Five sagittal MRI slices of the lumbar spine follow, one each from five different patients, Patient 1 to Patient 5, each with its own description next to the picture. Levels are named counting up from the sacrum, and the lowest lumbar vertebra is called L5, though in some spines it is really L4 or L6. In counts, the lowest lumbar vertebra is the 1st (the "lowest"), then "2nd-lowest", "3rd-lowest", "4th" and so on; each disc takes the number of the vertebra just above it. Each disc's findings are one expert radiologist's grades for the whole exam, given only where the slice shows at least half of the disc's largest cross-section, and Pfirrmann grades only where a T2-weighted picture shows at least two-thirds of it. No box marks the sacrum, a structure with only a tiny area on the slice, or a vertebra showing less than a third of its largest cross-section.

Patient 1 of 5:
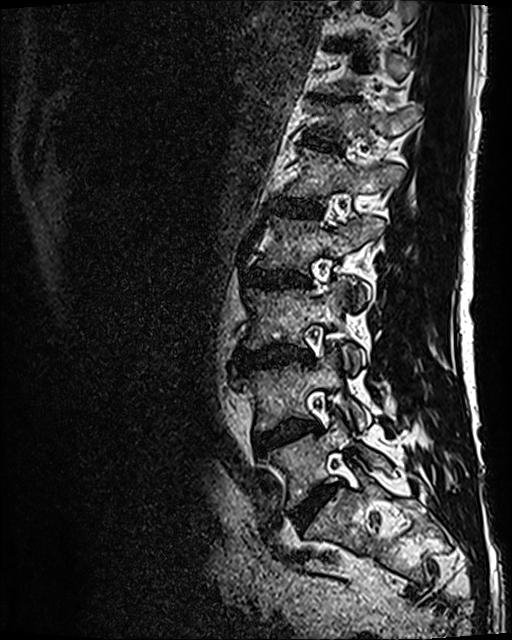
Sagittal T2 SPACE (3D) lumbar spine MRI; Slice 42 of 120; Patient sex: M
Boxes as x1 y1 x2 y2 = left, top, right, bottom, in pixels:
L3/L4: 234 346 313 370.
L4 vertebra: 233 347 369 430.
Disc T11/T12: 317 96 343 101.
L2/L3: 249 270 310 290.
L2: 258 215 383 309.
L1/L2: 272 199 321 216.
L1 vertebra: 287 148 403 203.
Disc L4/L5: 254 421 319 451.
L5 vertebra: 263 418 385 508.
L3 vertebra: 243 279 363 372.
T12/L1: 305 138 340 151.
L5/S1: 291 484 336 527.
T12: 309 103 420 141.

Radiological gradings:
- L3/L4: Pfirrmann grade 4, disc narrowing, disc bulging, Modic type II
- L4/L5: Pfirrmann grade 3, disc bulging, Modic type II
- L2/L3: Pfirrmann grade 3, Modic type II, disc bulging
- L5/S1: Pfirrmann grade 4, disc narrowing, disc bulging
- L1/L2: no herniation, bulging, narrowing, spondylolisthesis, endplate or Modic change recorded

Patient 2 of 5:
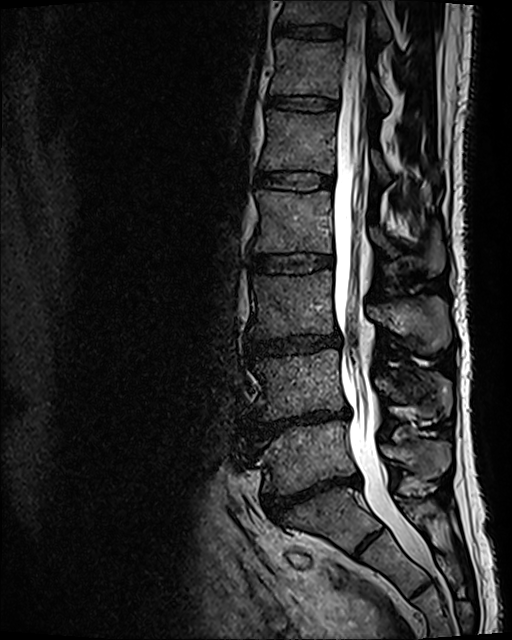 Sagittal slice index 61. Image 512x640. Field of view 240x300 mm, slice spacing 0.9 mm. MRI lumbar spine (T2 SPACE (3D)), sagittal plane.

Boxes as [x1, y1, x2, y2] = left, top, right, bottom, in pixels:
T12: [270, 40, 389, 111] | IVD T11/T12: [272, 25, 344, 39] | spinal canal: [333, 1, 431, 568] | L3/L4: [246, 335, 340, 353] | L3 vertebra: [250, 270, 450, 352] | IVD T12/L1: [267, 95, 336, 111] | L1/L2: [256, 172, 332, 190] | T11: [276, 0, 392, 43] | L5/S1: [262, 474, 361, 521] | L4 vertebra: [254, 349, 452, 419] | L5: [257, 421, 451, 494] | L2: [255, 189, 444, 274] | L1 vertebra: [260, 109, 438, 183] | IVD L2/L3: [251, 255, 333, 273] | L4/L5: [252, 410, 348, 437]

Degenerative findings by level:
• L3/L4: Pfirrmann grade 3, disc narrowing, disc bulging
• L4/L5: Pfirrmann grade 5, disc bulging, disc narrowing, Modic type II, lower-endplate change
• T12/L1: Pfirrmann grade 2
• L2/L3: Pfirrmann grade 2
• L1/L2: Pfirrmann grade 2
• T11/T12: Pfirrmann grade 2
• L5/S1: Pfirrmann grade 5, disc narrowing, disc bulging, lower-endplate change, spondylolisthesis

Patient 3 of 5:
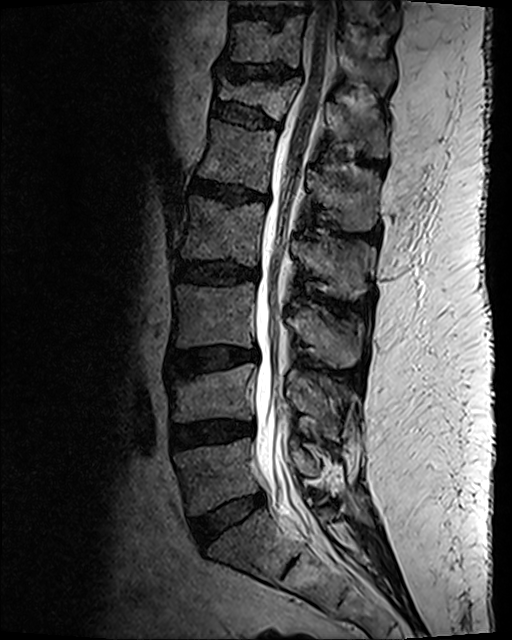
MRI lumbar spine (T2 SPACE (3D)), sagittal plane | Field of view 240x300 mm, slice spacing 0.9 mm | 512x640 px
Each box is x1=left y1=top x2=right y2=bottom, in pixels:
{"3rd-lowest vertebra": "x1=172 y1=283 x2=361 y2=367", "5th vertebra": "x1=198 y1=121 x2=377 y2=231", "2nd-lowest vertebra": "x1=165 y1=364 x2=353 y2=438", "5th disc": "x1=191 y1=180 x2=266 y2=206", "6th disc": "x1=212 y1=101 x2=278 y2=129", "thecal sac / spinal canal": "x1=254 y1=1 x2=336 y2=534", "7th disc": "x1=227 y1=66 x2=293 y2=81", "4th vertebra": "x1=181 y1=198 x2=368 y2=299", "3rd-lowest disc": "x1=172 y1=349 x2=258 y2=374", "2nd-lowest disc": "x1=171 y1=422 x2=250 y2=449", "6th vertebra": "x1=218 y1=80 x2=386 y2=157", "8th disc": "x1=237 y1=11 x2=301 y2=21", "lowest vertebra": "x1=175 y1=439 x2=319 y2=515", "7th vertebra": "x1=224 y1=16 x2=395 y2=91", "4th disc": "x1=178 y1=260 x2=258 y2=285", "lowest disc": "x1=191 y1=492 x2=265 y2=546"}

Expert MSK radiologist gradings (per disc):
- 2nd-lowest disc: Pfirrmann grade 3, disc bulging, disc narrowing
- 4th disc: Pfirrmann grade 3, lower-endplate change, disc bulging
- 6th disc: Pfirrmann grade 2, spondylolisthesis, upper-endplate change, lower-endplate change, disc bulging
- 5th disc: Pfirrmann grade 3, upper-endplate change, disc narrowing, disc bulging, lower-endplate change, Modic type II
- lowest disc: Pfirrmann grade 2, disc bulging
- 3rd-lowest disc: Pfirrmann grade 3, Modic type II, lower-endplate change, disc bulging, upper-endplate change
- 7th disc: Pfirrmann grade 2, disc bulging, upper-endplate change, lower-endplate change, disc narrowing

Patient 4 of 5:
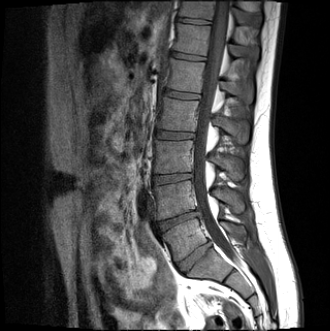 Sagittal T1-weighted lumbar spine MRI, 330x331 px
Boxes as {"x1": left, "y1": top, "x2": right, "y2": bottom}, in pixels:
T12 vertebra: {"x1": 173, "y1": 23, "x2": 258, "y2": 59}
thecal sac / spinal canal: {"x1": 194, "y1": 0, "x2": 240, "y2": 264}
L4 vertebra: {"x1": 154, "y1": 180, "x2": 244, "y2": 219}
L3: {"x1": 154, "y1": 140, "x2": 243, "y2": 180}
disc T11/T12: {"x1": 178, "y1": 18, "x2": 210, "y2": 24}
T11: {"x1": 179, "y1": 0, "x2": 261, "y2": 24}
L5/S1: {"x1": 178, "y1": 243, "x2": 210, "y2": 273}
disc T12/L1: {"x1": 171, "y1": 52, "x2": 203, "y2": 60}
disc L1/L2: {"x1": 163, "y1": 89, "x2": 198, "y2": 98}
L1 vertebra: {"x1": 165, "y1": 58, "x2": 252, "y2": 102}
L2 vertebra: {"x1": 157, "y1": 97, "x2": 248, "y2": 143}
L4/L5: {"x1": 158, "y1": 209, "x2": 200, "y2": 232}
L5: {"x1": 162, "y1": 218, "x2": 247, "y2": 261}
L2/L3: {"x1": 156, "y1": 130, "x2": 193, "y2": 139}
L3/L4: {"x1": 154, "y1": 173, "x2": 191, "y2": 184}

Expert MSK radiologist gradings (per disc):
• L5/S1: disc bulging
• L4/L5: disc herniation, Modic type II, lower-endplate change, upper-endplate change, disc narrowing
• T12/L1, L3/L4, L1/L2, L2/L3, T11/T12: no Modic or endplate change, herniation, narrowing, bulging or spondylolisthesis recorded

Patient 5 of 5:
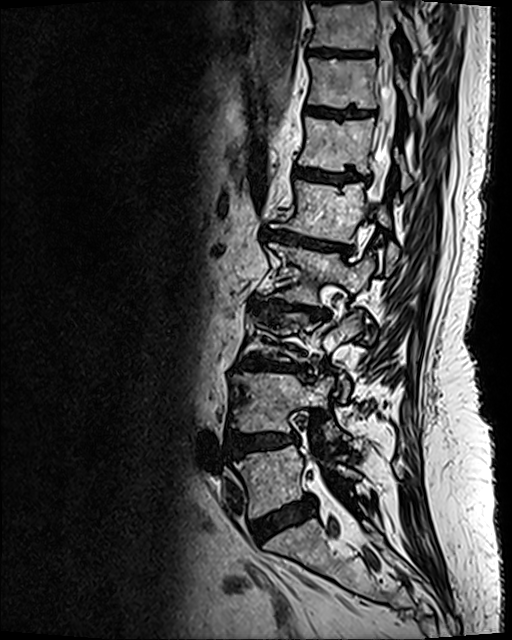 Slice spacing 0.9 mm | Sagittal T2 SPACE (3D) lumbar spine MRI
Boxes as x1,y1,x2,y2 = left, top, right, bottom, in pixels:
L4: 230,372,348,441
L5 vertebra: 234,445,360,517
L1 vertebra: 285,180,398,265
L2/L3: 249,297,330,320
T10: 310,0,418,53
disc T10/T11: 309,48,351,56
L3/L4: 235,354,303,373
L2: 269,243,375,334
disc T12/L1: 294,168,369,183
T12: 299,116,411,190
T11/T12: 306,107,373,118
disc L1/L2: 261,228,348,253
L5/S1: 251,496,314,540
spinal canal: 375,0,397,172
disc L4/L5: 226,430,297,457
T11: 308,57,412,113

Expert MSK radiologist gradings (per disc):
• L5/S1: Pfirrmann grade 4, disc bulging
• L3/L4: lower-endplate change, Modic type II, upper-endplate change, disc narrowing, disc bulging
• T11/T12: Pfirrmann grade 4, upper-endplate change, lower-endplate change
• L1/L2: Pfirrmann grade 5, disc bulging, upper-endplate change, disc narrowing, Modic type II, lower-endplate change
• T10/T11: Pfirrmann grade 4, upper-endplate change, lower-endplate change
• L2/L3: Pfirrmann grade 5, disc bulging, Modic type II, lower-endplate change, disc narrowing, upper-endplate change
• T12/L1: Pfirrmann grade 4, lower-endplate change, Modic type II, upper-endplate change
• L4/L5: Pfirrmann grade 4, lower-endplate change, upper-endplate change, disc bulging